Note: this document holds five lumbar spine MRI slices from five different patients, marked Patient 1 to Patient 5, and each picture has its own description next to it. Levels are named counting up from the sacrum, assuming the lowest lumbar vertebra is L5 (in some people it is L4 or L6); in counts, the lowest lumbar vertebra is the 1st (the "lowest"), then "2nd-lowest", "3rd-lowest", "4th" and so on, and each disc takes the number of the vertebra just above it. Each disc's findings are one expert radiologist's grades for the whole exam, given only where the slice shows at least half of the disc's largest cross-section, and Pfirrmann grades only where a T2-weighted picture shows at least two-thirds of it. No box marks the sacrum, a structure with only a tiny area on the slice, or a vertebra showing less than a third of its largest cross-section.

Patient 1 of 5:
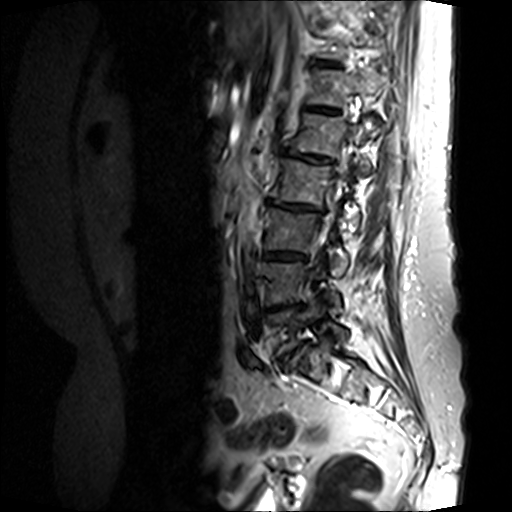
T2-weighted sagittal MRI of the lumbar spine, Slice spacing 4.8 mm, Sagittal slice index 3
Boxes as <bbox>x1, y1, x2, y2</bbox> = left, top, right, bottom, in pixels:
{"2nd-lowest disc": "<bbox>265, 304, 301, 311</bbox>", "5th vertebra": "<bbox>291, 113, 370, 171</bbox>", "7th disc": "<bbox>315, 60, 339, 67</bbox>", "thecal sac / spinal canal": "<bbox>322, 151, 347, 234</bbox>", "3rd-lowest vertebra": "<bbox>264, 207, 347, 272</bbox>", "3rd-lowest disc": "<bbox>262, 251, 307, 261</bbox>", "4th disc": "<bbox>269, 200, 321, 211</bbox>", "4th vertebra": "<bbox>271, 158, 359, 222</bbox>", "2nd-lowest vertebra": "<bbox>264, 262, 340, 311</bbox>", "lowest disc": "<bbox>280, 341, 311, 363</bbox>", "lowest vertebra": "<bbox>268, 300, 347, 354</bbox>", "6th vertebra": "<bbox>308, 68, 377, 106</bbox>", "5th disc": "<bbox>286, 149, 332, 163</bbox>", "6th disc": "<bbox>306, 106, 340, 115</bbox>"}

Degenerative findings by level:
- 4th disc: Pfirrmann grade 5, lower-endplate change, upper-endplate change, Modic type II, disc narrowing, disc bulging
- 5th disc: Pfirrmann grade 4, upper-endplate change, disc narrowing, Modic type II, disc bulging, lower-endplate change
- 3rd-lowest disc: Pfirrmann grade 5, lower-endplate change, Modic type II, upper-endplate change, disc bulging, disc narrowing
- 6th disc: no spondylolisthesis, narrowing, bulging, herniation, Modic or endplate change recorded

Patient 2 of 5:
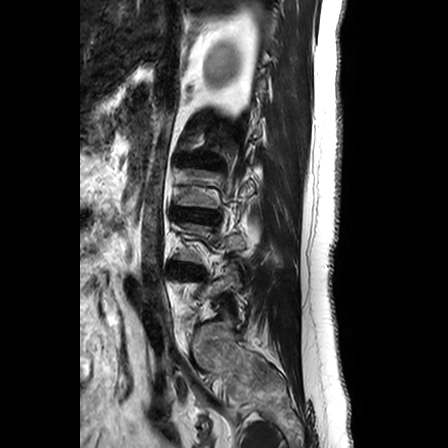

448x448 px. Lumbar spine MR, T2-weighted, sagittal.

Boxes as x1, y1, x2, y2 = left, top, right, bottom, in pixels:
Structures:
- L3/L4 (3rd-lowest disc) — 177, 209, 213, 221
- IVD L4/L5 (2nd-lowest disc) — 174, 265, 199, 272

Per-level radiological findings:
- L3/L4 (3rd-lowest disc): disc narrowing, Modic type II, lower-endplate change, disc bulging, upper-endplate change

Patient 3 of 5:
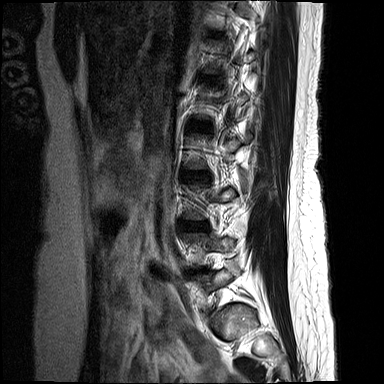
MRI lumbar spine (T2-weighted), sagittal plane, Slice 3 of 15

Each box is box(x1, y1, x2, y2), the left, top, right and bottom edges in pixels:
3rd-lowest disc at box(183, 221, 208, 230); 4th disc at box(183, 172, 207, 178); 5th disc at box(194, 123, 206, 128).

Patient 4 of 5:
T2 SPACE (3D) sagittal MRI of the lumbar spine, Sex F, 512x640 px, Sagittal slice index 61
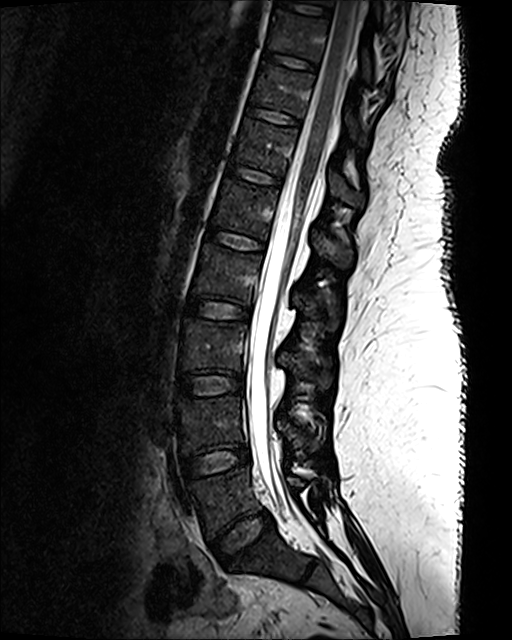

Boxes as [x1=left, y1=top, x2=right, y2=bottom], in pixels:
Disc L3/L4 (3rd-lowest disc) at [x1=178, y1=374, x2=243, y2=396].
L5/S1 (lowest disc) at [x1=212, y1=511, x2=273, y2=564].
L4/L5 (2nd-lowest disc) at [x1=183, y1=445, x2=250, y2=478].
L2 (4th vertebra) at [x1=192, y1=244, x2=338, y2=330].
T10 (8th vertebra) at [x1=268, y1=11, x2=383, y2=79].
L3 (3rd-lowest vertebra) at [x1=180, y1=319, x2=330, y2=391].
L2/L3 (4th disc) at [x1=186, y1=298, x2=250, y2=319].
T12 (6th vertebra) at [x1=234, y1=119, x2=364, y2=207].
Thecal sac / spinal canal at [x1=246, y1=0, x2=361, y2=525].
L1 (5th vertebra) at [x1=212, y1=179, x2=351, y2=267].
T11/T12 (7th disc) at [x1=247, y1=106, x2=300, y2=124].
L4 (2nd-lowest vertebra) at [x1=177, y1=395, x2=318, y2=453].
Disc T10/T11 (8th disc) at [x1=264, y1=51, x2=317, y2=70].
T12/L1 (6th disc) at [x1=229, y1=164, x2=281, y2=185].
L5 (lowest vertebra) at [x1=189, y1=467, x2=305, y2=537].
L1/L2 (5th disc) at [x1=207, y1=229, x2=264, y2=250].
T11 (7th vertebra) at [x1=251, y1=64, x2=357, y2=137].

Expert MSK radiologist gradings (per disc):
- L2/L3 (4th disc): Pfirrmann grade 1
- T12/L1 (6th disc): Pfirrmann grade 1
- T11/T12 (7th disc): Pfirrmann grade 1
- L5/S1 (lowest disc): Pfirrmann grade 1
- T10/T11 (8th disc): Pfirrmann grade 1
- L3/L4 (3rd-lowest disc): Pfirrmann grade 1
- L4/L5 (2nd-lowest disc): Pfirrmann grade 1
- L1/L2 (5th disc): Pfirrmann grade 1

Patient 5 of 5:
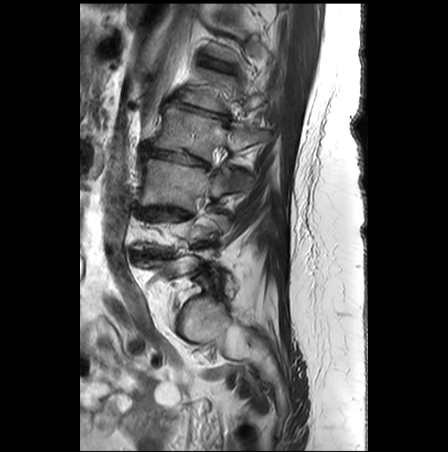 MRI lumbar spine (T2-weighted), sagittal plane, Sagittal slice index 6

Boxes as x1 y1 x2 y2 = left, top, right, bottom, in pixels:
- L2 (4th vertebra) — 148 108 267 161
- L1 (5th vertebra) — 179 68 265 112
- intervertebral disc L2/L3 (4th disc) — 143 147 210 168
- T12/L1 (6th disc) — 207 61 230 70
- L3 (3rd-lowest vertebra) — 139 158 230 209
- intervertebral disc L1/L2 (5th disc) — 170 97 229 122

Radiological gradings:
  L1/L2 (5th disc): spondylolisthesis, upper-endplate change, Modic type II, lower-endplate change, disc bulging, disc narrowing
  L2/L3 (4th disc): Pfirrmann grade 5, upper-endplate change, lower-endplate change, Modic type II, disc bulging, disc narrowing